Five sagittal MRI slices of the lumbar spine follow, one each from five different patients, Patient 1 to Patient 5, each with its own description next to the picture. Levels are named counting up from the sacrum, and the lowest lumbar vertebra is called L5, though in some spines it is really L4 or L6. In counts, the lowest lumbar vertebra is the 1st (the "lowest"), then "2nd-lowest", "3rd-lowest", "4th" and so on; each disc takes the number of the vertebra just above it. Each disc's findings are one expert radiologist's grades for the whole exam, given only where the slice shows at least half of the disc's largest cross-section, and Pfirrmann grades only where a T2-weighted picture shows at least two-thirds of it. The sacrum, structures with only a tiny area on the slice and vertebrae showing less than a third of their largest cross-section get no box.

Patient 1 of 5:
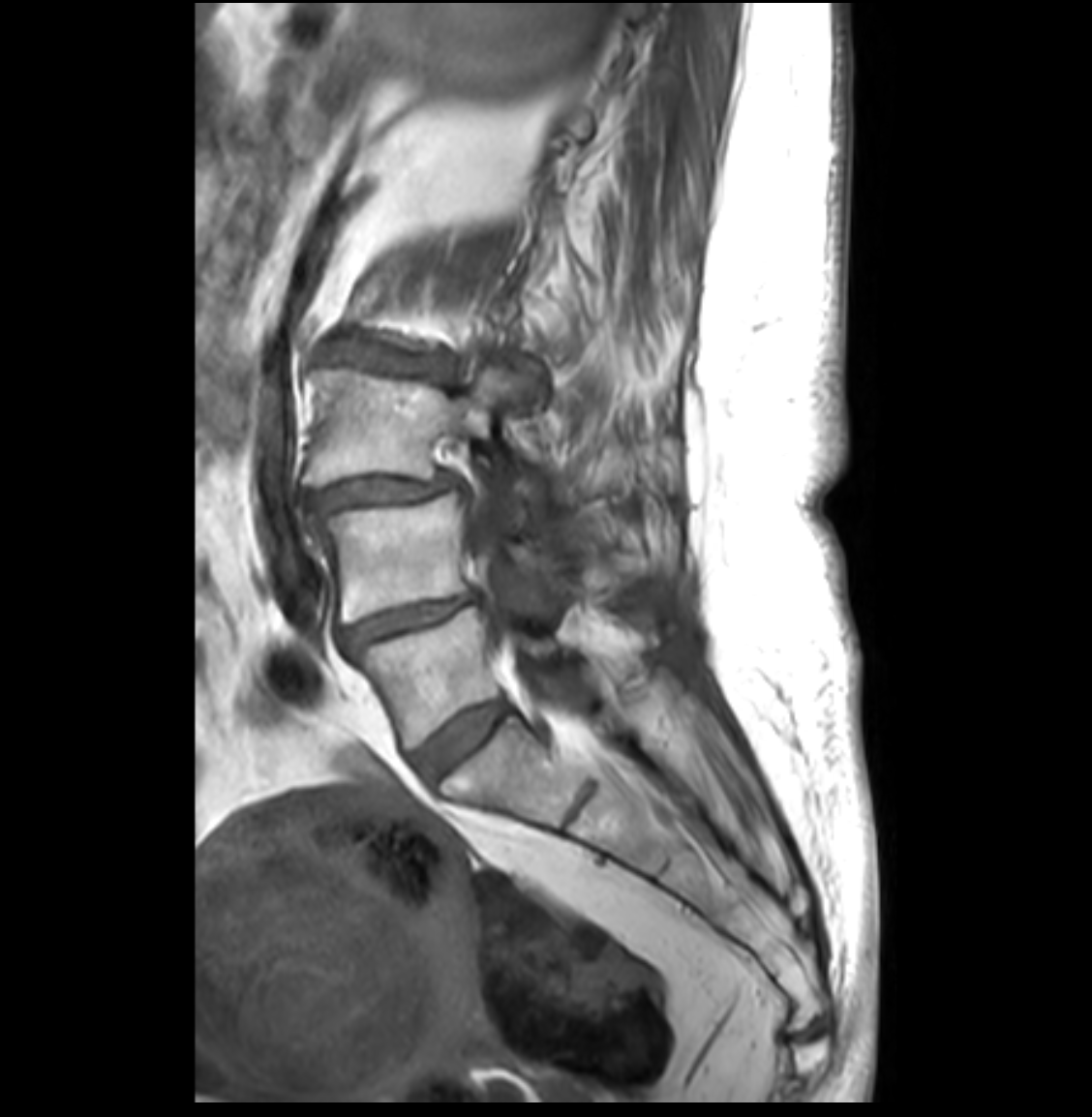 Lumbar spine MR, T1-weighted, sagittal | 1092x1117 px | Sex F
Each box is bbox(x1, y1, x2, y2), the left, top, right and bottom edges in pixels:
2nd-lowest disc: bbox(342, 592, 477, 649)
3rd-lowest disc: bbox(305, 474, 452, 515)
4th disc: bbox(319, 338, 455, 379)
thecal sac / spinal canal: bbox(451, 440, 601, 731)
2nd-lowest vertebra: bbox(315, 495, 614, 622)
3rd-lowest vertebra: bbox(305, 366, 528, 487)
lowest disc: bbox(414, 701, 508, 779)
lowest vertebra: bbox(358, 608, 560, 746)

Per-level radiological findings:
- 3rd-lowest disc: spondylolisthesis, disc bulging, disc narrowing
- 2nd-lowest disc: disc narrowing, disc bulging
- 4th disc: upper-endplate change, disc narrowing, lower-endplate change, disc bulging
- lowest disc: no spondylolisthesis, narrowing, bulging, herniation, Modic or endplate change recorded

Patient 2 of 5:
Image 384x384; Lumbar spine MR, T1-weighted, sagittal
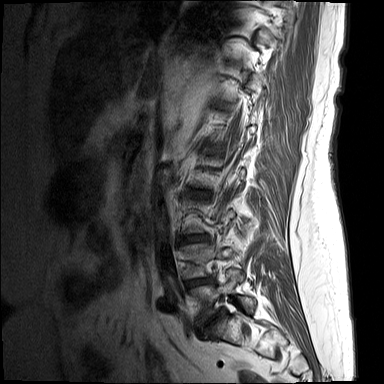
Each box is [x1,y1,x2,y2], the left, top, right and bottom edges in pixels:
IVD L4/L5 (2nd-lowest disc): [187,279,209,286]
IVD L5/S1 (lowest disc): [199,309,224,331]
IVD L3/L4 (3rd-lowest disc): [180,235,204,242]
IVD L2/L3 (4th disc): [191,190,207,195]
L5 (lowest vertebra): [192,270,255,320]

Degenerative findings by level:
  L5/S1 (lowest disc): disc bulging, disc narrowing, Modic type II

Patient 3 of 5:
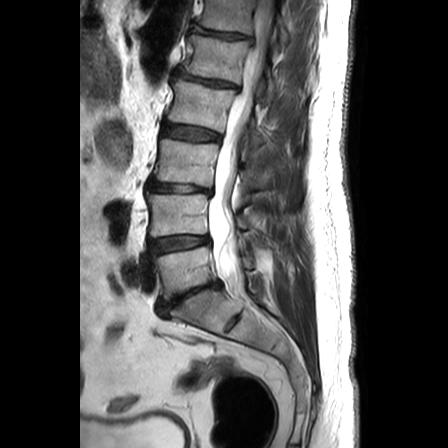

Slice 14/25; MRI lumbar spine (T2-weighted), sagittal plane

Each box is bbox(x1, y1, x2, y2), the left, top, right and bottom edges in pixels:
L3/L4 (3rd-lowest disc): bbox(148, 180, 211, 194)
L2 (4th vertebra): bbox(167, 79, 265, 144)
L1 (5th vertebra): bbox(185, 34, 276, 100)
L3 (3rd-lowest vertebra): bbox(153, 139, 268, 188)
intervertebral disc T12/L1 (6th disc): bbox(192, 25, 251, 39)
L5/S1 (lowest disc): bbox(157, 281, 221, 317)
intervertebral disc L4/L5 (2nd-lowest disc): bbox(149, 236, 208, 254)
T12 (6th vertebra): bbox(198, 0, 290, 45)
L4 (2nd-lowest vertebra): bbox(147, 193, 249, 236)
intervertebral disc L2/L3 (4th disc): bbox(163, 125, 220, 140)
L5 (lowest vertebra): bbox(152, 246, 253, 299)
thecal sac / spinal canal: bbox(209, 0, 274, 294)
L1/L2 (5th disc): bbox(175, 70, 235, 87)

Radiological gradings:
- L1/L2 (5th disc): Pfirrmann grade 3, disc narrowing, disc bulging
- L4/L5 (2nd-lowest disc): Pfirrmann grade 2, disc bulging
- T12/L1 (6th disc): Pfirrmann grade 3, disc bulging, disc narrowing
- L3/L4 (3rd-lowest disc): Pfirrmann grade 5, disc herniation, disc narrowing
- L2/L3 (4th disc): Pfirrmann grade 2
- L5/S1 (lowest disc): Pfirrmann grade 5, disc bulging, disc narrowing

Patient 4 of 5:
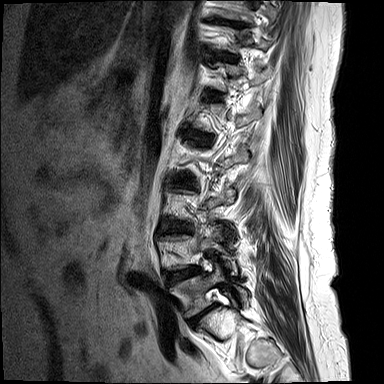
384x384 px; MRI lumbar spine (T2-weighted), sagittal plane

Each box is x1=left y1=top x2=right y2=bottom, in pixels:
7th disc = x1=222 y1=54 x2=235 y2=60.
Lowest disc = x1=191 y1=305 x2=214 y2=322.
2nd-lowest disc = x1=169 y1=268 x2=197 y2=279.
Lowest vertebra = x1=172 y1=264 x2=248 y2=316.

Radiological gradings:
  2nd-lowest disc: disc bulging, upper-endplate change, lower-endplate change, disc narrowing, Modic type II

Patient 5 of 5:
Sex F; Slice 5 of 17; Image 512x512; Field of view 300x300 mm; MRI lumbar spine (T2-weighted), sagittal plane 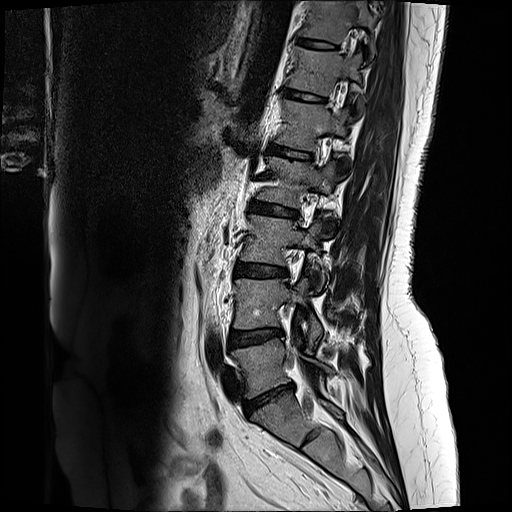
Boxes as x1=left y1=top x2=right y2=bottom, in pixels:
Intervertebral disc L5/S1 (lowest disc) at x1=244 y1=386 x2=293 y2=415, intervertebral disc L2/L3 (4th disc) at x1=248 y1=202 x2=301 y2=218, T12 (6th vertebra) at x1=288 y1=47 x2=365 y2=114, L4/L5 (2nd-lowest disc) at x1=229 y1=329 x2=283 y2=346, L4 (2nd-lowest vertebra) at x1=234 y1=279 x2=322 y2=341, L1 (5th vertebra) at x1=275 y1=99 x2=352 y2=168, T11 (7th vertebra) at x1=302 y1=2 x2=374 y2=56, intervertebral disc T12/L1 (6th disc) at x1=282 y1=90 x2=327 y2=103, L3 (3rd-lowest vertebra) at x1=239 y1=214 x2=328 y2=291, intervertebral disc T11/T12 (7th disc) at x1=296 y1=39 x2=338 y2=51, intervertebral disc L3/L4 (3rd-lowest disc) at x1=234 y1=264 x2=289 y2=278, L2 (4th vertebra) at x1=255 y1=157 x2=333 y2=233, L5 (lowest vertebra) at x1=233 y1=341 x2=332 y2=398, intervertebral disc L1/L2 (5th disc) at x1=268 y1=145 x2=313 y2=158.

Per-level radiological findings:
  L3/L4 (3rd-lowest disc): Pfirrmann grade 2, disc bulging
  L2/L3 (4th disc): Pfirrmann grade 4, lower-endplate change, upper-endplate change, disc bulging
  L4/L5 (2nd-lowest disc): disc bulging
  L5/S1 (lowest disc): disc narrowing, disc herniation, disc bulging
  L1/L2 (5th disc): Pfirrmann grade 2, lower-endplate change, upper-endplate change
  T11/T12 (7th disc): Pfirrmann grade 2
  T12/L1 (6th disc): Pfirrmann grade 2, upper-endplate change, lower-endplate change